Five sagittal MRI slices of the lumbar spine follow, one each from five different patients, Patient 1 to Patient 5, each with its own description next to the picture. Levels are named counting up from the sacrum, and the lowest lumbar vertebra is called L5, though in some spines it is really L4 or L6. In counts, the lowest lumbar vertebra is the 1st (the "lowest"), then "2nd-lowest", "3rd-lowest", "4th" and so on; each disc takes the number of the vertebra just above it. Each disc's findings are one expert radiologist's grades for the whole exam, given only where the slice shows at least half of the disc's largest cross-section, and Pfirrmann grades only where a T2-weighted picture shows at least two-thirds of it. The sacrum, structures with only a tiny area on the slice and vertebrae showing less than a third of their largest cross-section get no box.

Patient 1 of 5:
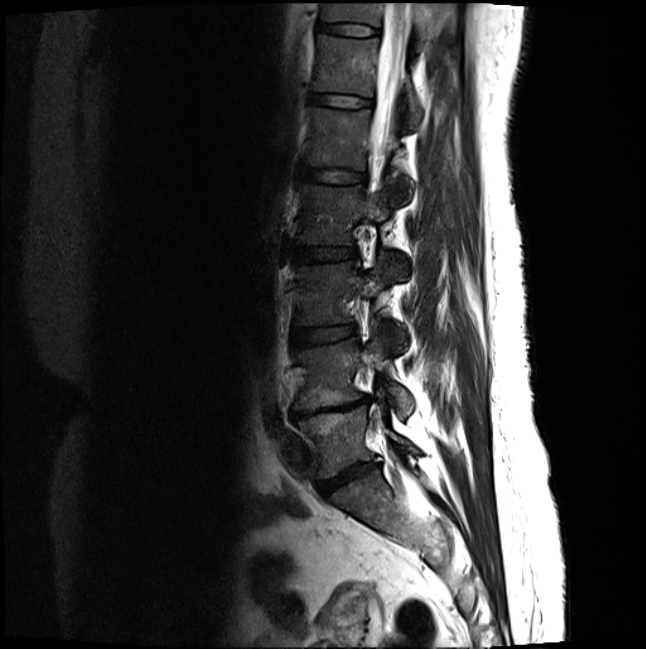
646x649 px. T2-weighted sagittal MRI of the lumbar spine. Field of view 300x302 mm.
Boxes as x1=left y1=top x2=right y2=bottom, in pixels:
Structures:
• T12 at x1=313 y1=32 x2=423 y2=126
• T12/L1 at x1=310 y1=92 x2=371 y2=106
• T11 at x1=320 y1=1 x2=457 y2=38
• disc T11/T12 at x1=318 y1=21 x2=377 y2=35
• L2 at x1=298 y1=182 x2=406 y2=277
• thecal sac / spinal canal at x1=371 y1=1 x2=409 y2=188
• L4 at x1=294 y1=333 x2=414 y2=417
• L4/L5 at x1=290 y1=396 x2=370 y2=419
• L1/L2 at x1=300 y1=165 x2=365 y2=182
• L3/L4 at x1=291 y1=325 x2=356 y2=347
• L2/L3 at x1=288 y1=244 x2=357 y2=260
• disc L5/S1 at x1=318 y1=462 x2=379 y2=496
• L1 at x1=304 y1=105 x2=411 y2=195
• L3 at x1=295 y1=255 x2=406 y2=348
• L5 at x1=299 y1=406 x2=418 y2=478

Radiological gradings:
• T11/T12: Pfirrmann grade 2
• L2/L3: Pfirrmann grade 2
• L1/L2: Pfirrmann grade 2
• L3/L4: Pfirrmann grade 2
• L5/S1: disc bulging, disc narrowing
• T12/L1: Pfirrmann grade 2
• L4/L5: Pfirrmann grade 5, Modic type II, upper-endplate change, disc bulging, lower-endplate change, disc narrowing

Patient 2 of 5:
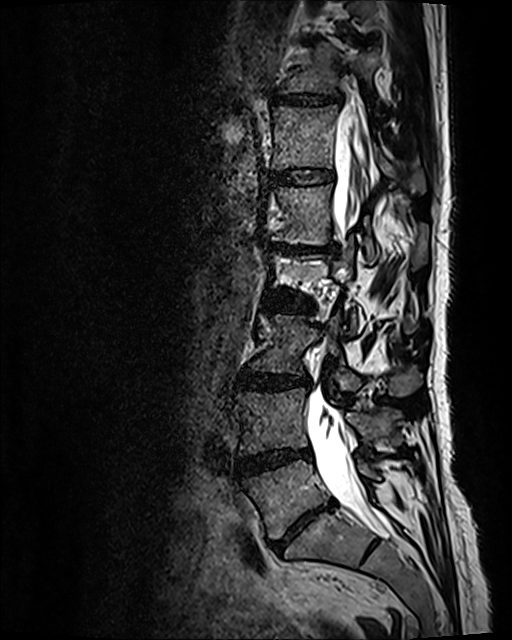

Lumbar spine MR, T2 SPACE (3D), sagittal.

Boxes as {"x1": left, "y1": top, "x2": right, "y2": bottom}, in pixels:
L4 — {"x1": 235, "y1": 387, "x2": 401, "y2": 455}.
IVD L4/L5 — {"x1": 236, "y1": 450, "x2": 310, "y2": 474}.
L1/L2 — {"x1": 267, "y1": 242, "x2": 336, "y2": 255}.
L2/L3 — {"x1": 264, "y1": 294, "x2": 311, "y2": 311}.
T11/T12 — {"x1": 270, "y1": 90, "x2": 345, "y2": 108}.
IVD T12/L1 — {"x1": 270, "y1": 167, "x2": 333, "y2": 186}.
L5/S1 — {"x1": 273, "y1": 504, "x2": 329, "y2": 550}.
Thecal sac / spinal canal — {"x1": 306, "y1": 105, "x2": 393, "y2": 537}.
T12 vertebra — {"x1": 271, "y1": 106, "x2": 425, "y2": 192}.
L1 vertebra — {"x1": 265, "y1": 184, "x2": 428, "y2": 269}.
T11 vertebra — {"x1": 282, "y1": 43, "x2": 381, "y2": 101}.
L3 vertebra — {"x1": 249, "y1": 313, "x2": 421, "y2": 397}.
L3/L4 — {"x1": 237, "y1": 371, "x2": 308, "y2": 389}.
L5 vertebra — {"x1": 242, "y1": 460, "x2": 379, "y2": 539}.

Per-level radiological findings:
• L4/L5: Pfirrmann grade 4, disc narrowing, disc bulging, Modic type II
• L5/S1: Modic type II, disc bulging, disc narrowing, lower-endplate change, upper-endplate change
• L1/L2: Pfirrmann grade 5, disc narrowing, upper-endplate change, Modic type II, lower-endplate change, disc bulging
• L3/L4: disc bulging
• T12/L1: Pfirrmann grade 2
• T11/T12: Pfirrmann grade 3, disc narrowing, disc bulging

Patient 3 of 5:
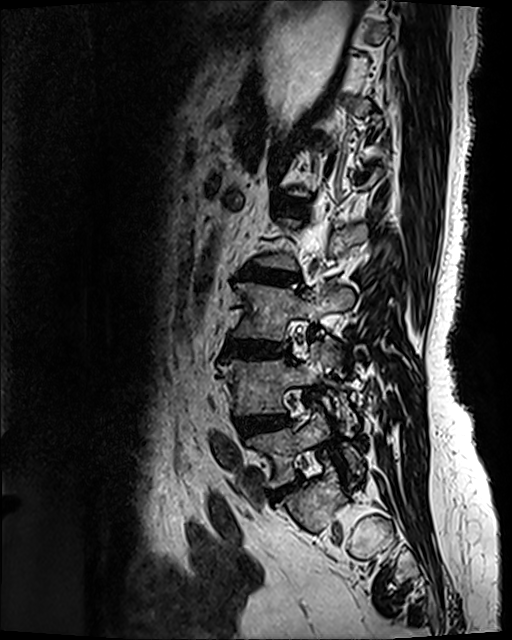 Lumbar spine MR, T2 SPACE (3D), sagittal | Patient sex: F

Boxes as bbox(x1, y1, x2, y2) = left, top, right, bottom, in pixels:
5th disc: bbox(275, 197, 306, 213).
3rd-lowest disc: bbox(225, 341, 290, 358).
4th disc: bbox(241, 266, 299, 284).
Lowest vertebra: bbox(246, 412, 360, 487).
3rd-lowest vertebra: bbox(234, 283, 353, 338).
Lowest disc: bbox(271, 479, 302, 498).
2nd-lowest disc: bbox(238, 417, 288, 437).
2nd-lowest vertebra: bbox(219, 337, 342, 428).

Degenerative findings by level:
  2nd-lowest disc: disc bulging
  3rd-lowest disc: Pfirrmann grade 4, disc narrowing, disc bulging, upper-endplate change, lower-endplate change, Modic type II
  4th disc: lower-endplate change, disc narrowing, disc bulging, upper-endplate change, Modic type II

Patient 4 of 5:
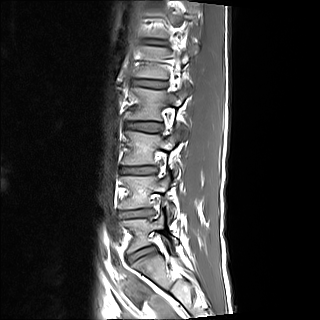 Slice 4/15, Lumbar spine MR, T1-weighted, sagittal, 320x320 px, Patient sex: M
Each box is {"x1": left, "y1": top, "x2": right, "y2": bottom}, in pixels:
Annotations:
* L1/L2 (5th disc) = {"x1": 134, "y1": 80, "x2": 165, "y2": 87}
* IVD L4/L5 (2nd-lowest disc) = {"x1": 119, "y1": 210, "x2": 151, "y2": 217}
* L5 (lowest vertebra) = {"x1": 121, "y1": 213, "x2": 179, "y2": 252}
* L2 (4th vertebra) = {"x1": 129, "y1": 84, "x2": 190, "y2": 139}
* L1 (5th vertebra) = {"x1": 136, "y1": 45, "x2": 196, "y2": 78}
* L3 (3rd-lowest vertebra) = {"x1": 123, "y1": 130, "x2": 180, "y2": 179}
* IVD L5/S1 (lowest disc) = {"x1": 129, "y1": 247, "x2": 154, "y2": 261}
* IVD L2/L3 (4th disc) = {"x1": 126, "y1": 123, "x2": 161, "y2": 131}
* IVD L3/L4 (3rd-lowest disc) = {"x1": 121, "y1": 167, "x2": 156, "y2": 173}
* L4 (2nd-lowest vertebra) = {"x1": 119, "y1": 174, "x2": 175, "y2": 222}

Radiological gradings:
- L3/L4 (3rd-lowest disc): lower-endplate change, disc narrowing, upper-endplate change
- L2/L3 (4th disc): lower-endplate change
- L1/L2 (5th disc): no herniation, bulging, narrowing, spondylolisthesis, endplate or Modic change recorded

Patient 5 of 5:
Lumbar spine MR, T2-weighted, sagittal; Slice 6 of 25; Field of view 280x281 mm

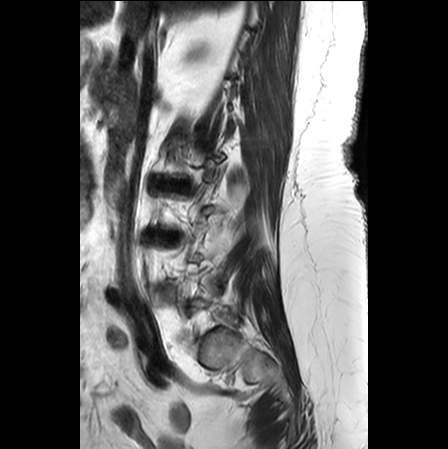 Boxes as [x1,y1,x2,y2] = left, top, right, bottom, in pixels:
- 3rd-lowest disc = [149,231,177,241]
- 4th disc = [157,180,187,193]

Degenerative findings by level:
- 3rd-lowest disc: upper-endplate change, lower-endplate change, disc narrowing, disc bulging
- 4th disc: Pfirrmann grade 5, disc narrowing, disc herniation, Modic type II, upper-endplate change, lower-endplate change